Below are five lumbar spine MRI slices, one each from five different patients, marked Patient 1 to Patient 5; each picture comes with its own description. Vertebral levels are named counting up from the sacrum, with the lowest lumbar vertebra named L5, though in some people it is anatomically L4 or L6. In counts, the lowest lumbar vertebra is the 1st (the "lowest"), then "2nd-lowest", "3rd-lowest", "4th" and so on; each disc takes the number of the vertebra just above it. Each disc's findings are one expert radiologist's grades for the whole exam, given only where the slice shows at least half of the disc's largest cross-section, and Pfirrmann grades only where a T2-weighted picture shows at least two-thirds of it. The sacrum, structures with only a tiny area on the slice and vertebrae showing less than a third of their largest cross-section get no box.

Patient 1 of 5:
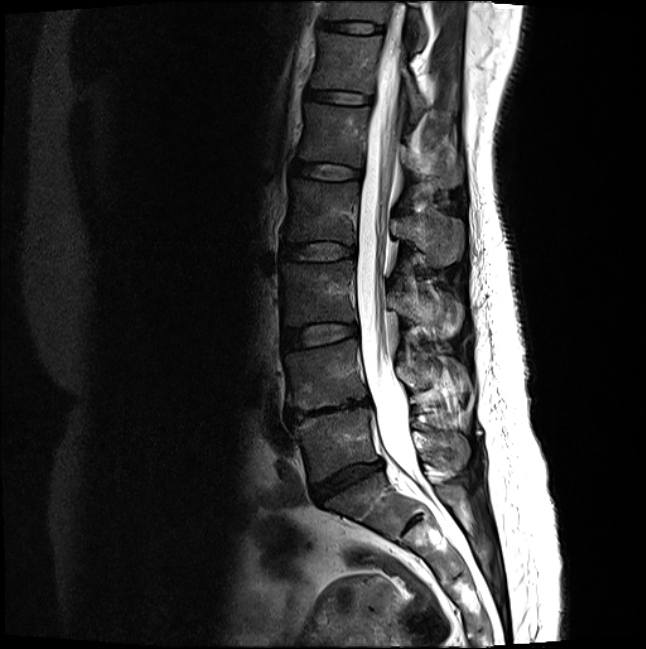 T2-weighted sagittal MRI of the lumbar spine, Sagittal slice index 10, 646x649 px, Field of view 300x302 mm, slice spacing 3.3 mm

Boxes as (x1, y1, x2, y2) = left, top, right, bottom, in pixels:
- 5th vertebra: (298, 102, 463, 187)
- 6th disc: (305, 89, 371, 103)
- 5th disc: (291, 160, 361, 179)
- lowest vertebra: (293, 407, 469, 481)
- 6th vertebra: (311, 31, 427, 121)
- 7th vertebra: (327, 0, 425, 46)
- 3rd-lowest vertebra: (281, 260, 461, 338)
- 3rd-lowest disc: (282, 323, 357, 348)
- 2nd-lowest disc: (286, 398, 370, 422)
- 4th disc: (281, 242, 355, 259)
- 4th vertebra: (284, 178, 463, 266)
- spinal canal: (356, 29, 418, 480)
- 7th disc: (320, 20, 380, 32)
- lowest disc: (310, 460, 382, 503)
- 2nd-lowest vertebra: (285, 340, 469, 410)

Radiological gradings:
  7th disc: Pfirrmann grade 2
  lowest disc: Pfirrmann grade 4, disc bulging, disc narrowing
  2nd-lowest disc: Pfirrmann grade 5, upper-endplate change, disc narrowing, Modic type II, lower-endplate change, disc bulging
  6th disc: Pfirrmann grade 2
  4th disc: Pfirrmann grade 2
  5th disc: Pfirrmann grade 2
  3rd-lowest disc: Pfirrmann grade 2

Patient 2 of 5:
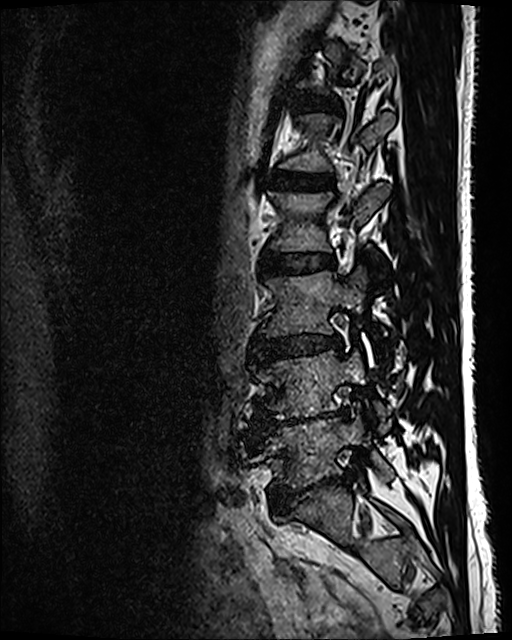

Sex M, MRI lumbar spine (T2 SPACE (3D)), sagittal plane
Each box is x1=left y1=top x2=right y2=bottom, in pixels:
- L4/L5 (2nd-lowest disc): x1=264 y1=410 x2=346 y2=426
- L4 (2nd-lowest vertebra): x1=255 y1=351 x2=385 y2=431
- intervertebral disc L3/L4 (3rd-lowest disc): x1=254 y1=335 x2=341 y2=361
- intervertebral disc T12/L1 (6th disc): x1=306 y1=98 x2=328 y2=109
- L2 (4th vertebra): x1=269 y1=183 x2=388 y2=252
- intervertebral disc L5/S1 (lowest disc): x1=273 y1=474 x2=348 y2=509
- L5 (lowest vertebra): x1=265 y1=416 x2=393 y2=487
- L1 (5th vertebra): x1=280 y1=112 x2=394 y2=171
- L2/L3 (4th disc): x1=261 y1=253 x2=334 y2=275
- L3 (3rd-lowest vertebra): x1=260 y1=271 x2=364 y2=335
- intervertebral disc L1/L2 (5th disc): x1=273 y1=172 x2=334 y2=190

Per-level radiological findings:
• L1/L2 (5th disc): Pfirrmann grade 2
• L2/L3 (4th disc): Pfirrmann grade 2
• L3/L4 (3rd-lowest disc): Pfirrmann grade 3, disc bulging, disc narrowing
• L5/S1 (lowest disc): lower-endplate change, disc narrowing, disc bulging, spondylolisthesis

Patient 3 of 5:
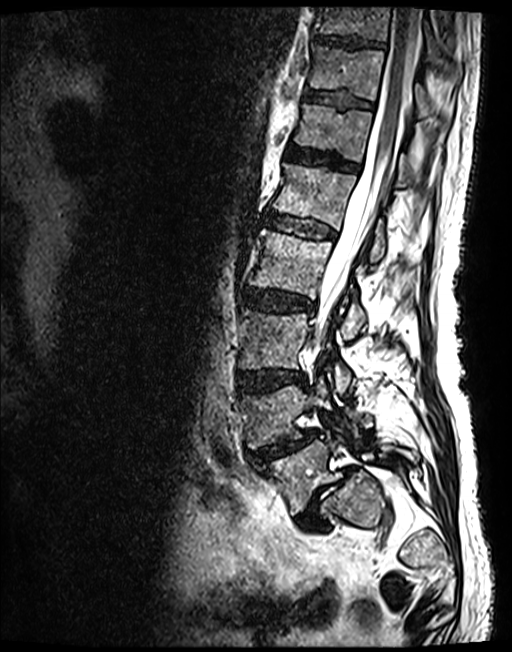 Patient sex: M; Sagittal T2 SPACE (3D) lumbar spine MRI

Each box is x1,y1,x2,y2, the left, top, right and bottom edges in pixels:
L4 vertebra at 238,380,361,449; L3 vertebra at 239,310,351,392; L3/L4 at 236,370,304,392; disc T12/L1 at 287,146,357,172; disc L2/L3 at 243,289,313,312; L5 at 257,435,418,514; T12 vertebra at 294,104,421,186; thecal sac / spinal canal at 311,7,420,351; T10 at 315,7,461,76; T11/T12 at 305,91,372,108; disc L4/L5 at 251,430,317,461; L2 vertebra at 250,230,366,338; T10/T11 at 314,34,384,49; disc L1/L2 at 264,213,333,239; T11 at 309,47,435,118; L1 at 271,163,387,261; L5/S1 at 296,467,354,529.

Expert MSK radiologist gradings (per disc):
  T12/L1: Pfirrmann grade 3
  L5/S1: Pfirrmann grade 5, Modic type II, disc herniation, disc narrowing, spondylolisthesis
  L3/L4: Pfirrmann grade 3, upper-endplate change, disc bulging, lower-endplate change
  T11/T12: Pfirrmann grade 3
  L1/L2: Pfirrmann grade 3
  T10/T11: Pfirrmann grade 3
  L2/L3: Pfirrmann grade 3, disc bulging

Patient 4 of 5:
Image 512x640. Sagittal slice index 74. Sagittal T2 SPACE (3D) lumbar spine MRI. 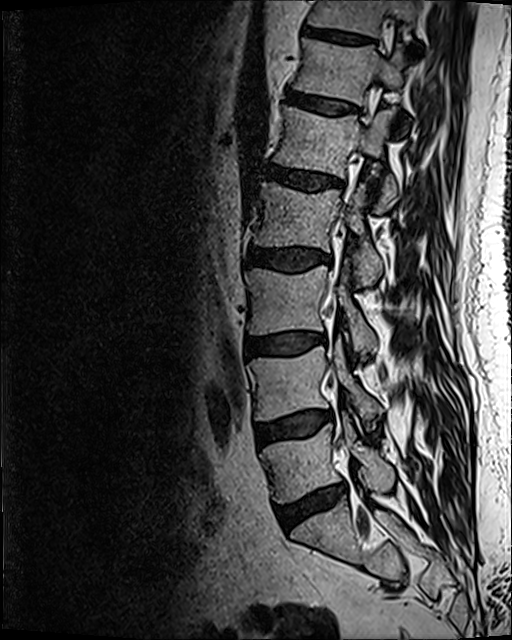 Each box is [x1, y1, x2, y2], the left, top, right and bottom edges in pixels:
* 7th vertebra: [307, 0, 416, 39]
* 2nd-lowest disc: [256, 412, 330, 447]
* 6th vertebra: [294, 39, 404, 104]
* 3rd-lowest disc: [246, 333, 318, 355]
* lowest vertebra: [260, 417, 394, 503]
* 3rd-lowest vertebra: [245, 266, 378, 354]
* 4th disc: [247, 246, 331, 271]
* lowest disc: [276, 487, 344, 530]
* 6th disc: [287, 92, 356, 114]
* 7th disc: [304, 26, 373, 44]
* 5th disc: [267, 164, 340, 192]
* 4th vertebra: [254, 182, 383, 286]
* 5th vertebra: [274, 107, 396, 212]
* 2nd-lowest vertebra: [250, 344, 381, 420]

Per-level radiological findings:
  3rd-lowest disc: disc bulging, Modic type II
  4th disc: Pfirrmann grade 3, disc bulging
  7th disc: Pfirrmann grade 3
  2nd-lowest disc: Pfirrmann grade 2, Modic type II, disc bulging
  5th disc: Pfirrmann grade 3, disc bulging
  6th disc: Pfirrmann grade 2
  lowest disc: Pfirrmann grade 3, disc bulging, disc narrowing, Modic type II

Patient 5 of 5:
Slice 13 of 21. Field of view 300x300 mm. Lumbar spine MR, T1-weighted, sagittal. Scanner: SIEMENS Avanto_fit (1.5T). 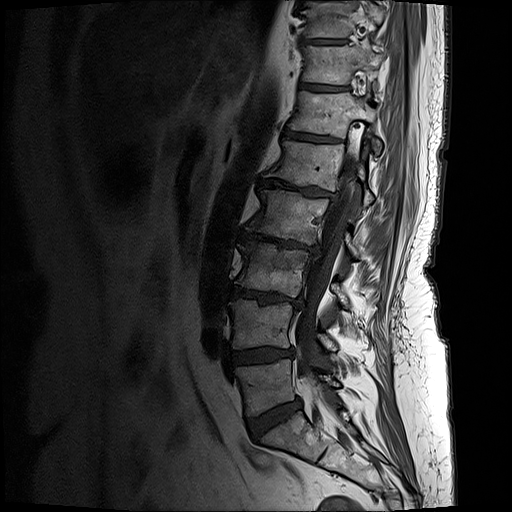
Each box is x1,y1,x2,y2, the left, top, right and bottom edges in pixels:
5th vertebra at 266,139,372,207.
6th vertebra at 290,91,380,155.
8th vertebra at 303,0,384,38.
3rd-lowest vertebra at 236,241,345,305.
3rd-lowest disc at 231,287,302,305.
Lowest vertebra at 237,359,338,416.
5th disc at 258,180,335,198.
Spinal canal at 295,152,356,394.
4th vertebra at 246,190,356,257.
7th disc at 302,85,332,90.
2nd-lowest disc at 228,348,293,366.
2nd-lowest vertebra at 228,300,335,352.
Lowest disc at 247,399,301,439.
8th disc at 302,39,345,42.
7th vertebra at 303,44,381,86.
4th disc at 240,231,317,251.
6th disc at 282,130,331,141.

Per-level radiological findings:
  2nd-lowest disc: lower-endplate change, disc bulging, upper-endplate change
  4th disc: Modic type II, disc bulging, upper-endplate change, disc narrowing, lower-endplate change
  3rd-lowest disc: Modic type II, disc narrowing, disc bulging, upper-endplate change, lower-endplate change
  5th disc: lower-endplate change, Modic type II, upper-endplate change, disc narrowing, disc bulging
  8th disc: upper-endplate change, lower-endplate change
  6th disc: Modic type II, lower-endplate change, upper-endplate change
  lowest disc: disc bulging
  7th disc: lower-endplate change, upper-endplate change